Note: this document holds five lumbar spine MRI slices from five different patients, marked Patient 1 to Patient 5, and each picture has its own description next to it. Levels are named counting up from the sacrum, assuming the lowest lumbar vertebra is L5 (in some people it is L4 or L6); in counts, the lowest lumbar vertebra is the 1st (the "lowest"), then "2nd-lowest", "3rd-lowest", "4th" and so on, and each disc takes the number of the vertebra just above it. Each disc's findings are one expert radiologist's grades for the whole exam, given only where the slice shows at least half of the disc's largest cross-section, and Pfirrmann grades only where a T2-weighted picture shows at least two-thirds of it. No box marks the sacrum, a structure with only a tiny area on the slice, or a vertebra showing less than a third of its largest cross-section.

Patient 1 of 5:
Image 459x464; Patient sex: F; Sagittal T1-weighted lumbar spine MRI 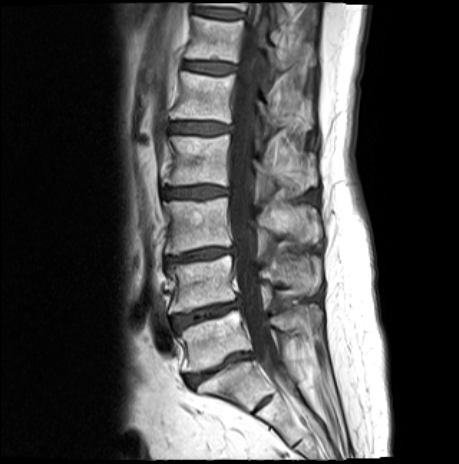 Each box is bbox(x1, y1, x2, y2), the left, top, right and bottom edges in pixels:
L5/S1: bbox(186, 352, 253, 386).
T12: bbox(185, 16, 286, 74).
Disc T11/T12: bbox(195, 8, 241, 18).
Thecal sac / spinal canal: bbox(229, 25, 281, 380).
Disc L2/L3: bbox(162, 186, 228, 198).
L4/L5: bbox(172, 299, 241, 331).
L2: bbox(162, 135, 316, 190).
Disc T12/L1: bbox(184, 62, 234, 73).
L3/L4: bbox(165, 248, 234, 265).
L3 vertebra: bbox(163, 197, 322, 254).
L1 vertebra: bbox(171, 71, 312, 134).
T11 vertebra: bbox(198, 2, 289, 23).
L5: bbox(178, 304, 322, 371).
L4: bbox(168, 255, 320, 312).
Disc L1/L2: bbox(171, 122, 228, 134).

Degenerative findings by level:
  L3/L4: disc bulging, Modic type II, disc narrowing, lower-endplate change, upper-endplate change
  L2/L3: Modic type II, disc bulging, lower-endplate change, upper-endplate change
  L5/S1: disc narrowing, disc bulging, Modic type II, lower-endplate change, upper-endplate change
  T11/T12: Modic type II
  T12/L1: lower-endplate change, upper-endplate change, Modic type II
  L1/L2: lower-endplate change, disc bulging, upper-endplate change, Modic type II
  L4/L5: lower-endplate change, upper-endplate change, disc bulging, disc narrowing, Modic type II

Patient 2 of 5:
538x539 px; Field of view 300x300 mm; T1-weighted sagittal MRI of the lumbar spine

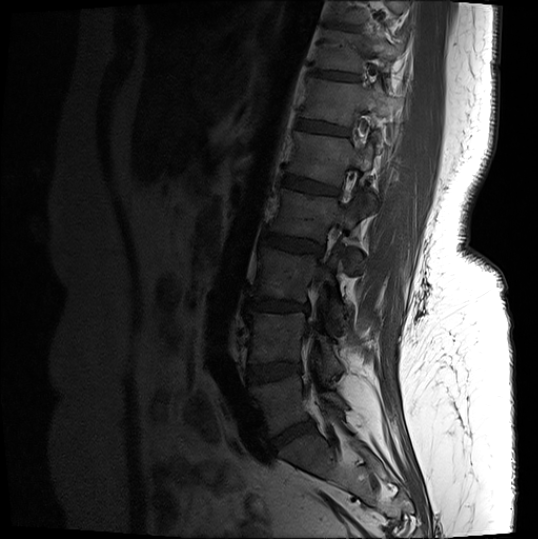
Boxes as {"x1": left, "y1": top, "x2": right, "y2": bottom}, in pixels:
Segmented structures:
• 8th vertebra at {"x1": 325, "y1": 1, "x2": 408, "y2": 24}
• 4th vertebra at {"x1": 269, "y1": 189, "x2": 363, "y2": 272}
• lowest vertebra at {"x1": 250, "y1": 374, "x2": 347, "y2": 435}
• 5th disc at {"x1": 283, "y1": 175, "x2": 339, "y2": 195}
• 2nd-lowest vertebra at {"x1": 246, "y1": 313, "x2": 344, "y2": 373}
• 6th disc at {"x1": 298, "y1": 120, "x2": 349, "y2": 136}
• 6th vertebra at {"x1": 302, "y1": 77, "x2": 388, "y2": 135}
• 5th vertebra at {"x1": 286, "y1": 132, "x2": 374, "y2": 211}
• 3rd-lowest vertebra at {"x1": 249, "y1": 246, "x2": 348, "y2": 327}
• 2nd-lowest disc at {"x1": 248, "y1": 362, "x2": 301, "y2": 382}
• 4th disc at {"x1": 262, "y1": 232, "x2": 323, "y2": 255}
• lowest disc at {"x1": 272, "y1": 421, "x2": 312, "y2": 448}
• 8th disc at {"x1": 323, "y1": 22, "x2": 361, "y2": 31}
• 7th disc at {"x1": 310, "y1": 69, "x2": 360, "y2": 81}
• spinal canal at {"x1": 307, "y1": 265, "x2": 327, "y2": 339}
• 7th vertebra at {"x1": 314, "y1": 30, "x2": 401, "y2": 73}
• 3rd-lowest disc at {"x1": 247, "y1": 299, "x2": 308, "y2": 311}

Degenerative findings by level:
- 3rd-lowest disc: disc bulging, lower-endplate change, disc narrowing, upper-endplate change, Modic type II
- 5th disc: upper-endplate change, Modic type II, lower-endplate change
- lowest disc: disc bulging, disc narrowing
- 8th disc: lower-endplate change, upper-endplate change
- 2nd-lowest disc: Modic type II, lower-endplate change, disc bulging
- 6th disc: lower-endplate change, upper-endplate change
- 4th disc: upper-endplate change, lower-endplate change, disc bulging
- 7th disc: upper-endplate change

Patient 3 of 5:
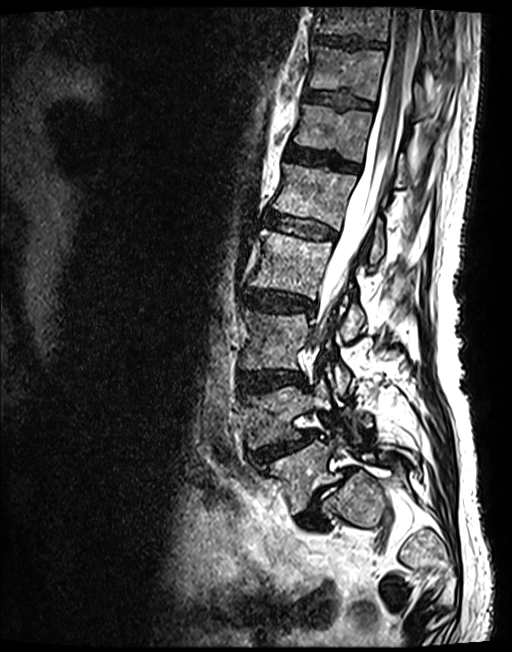 Patient sex: M; MRI lumbar spine (T2 SPACE (3D)), sagittal plane

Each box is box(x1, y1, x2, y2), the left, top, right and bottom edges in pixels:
Segmented structures:
* L3 vertebra — box(240, 310, 350, 393)
* intervertebral disc T11/T12 — box(305, 91, 372, 108)
* L4 — box(240, 379, 359, 448)
* L2/L3 — box(244, 289, 313, 312)
* intervertebral disc T12/L1 — box(287, 146, 357, 172)
* L5/S1 — box(297, 468, 352, 527)
* L5 vertebra — box(258, 434, 418, 514)
* L1 — box(272, 163, 385, 263)
* L3/L4 — box(238, 370, 303, 392)
* T10 — box(315, 7, 460, 74)
* T12 — box(294, 104, 418, 186)
* L2 — box(250, 230, 365, 339)
* intervertebral disc T10/T11 — box(314, 34, 384, 48)
* thecal sac / spinal canal — box(314, 7, 420, 348)
* L4/L5 — box(252, 430, 315, 461)
* L1/L2 — box(265, 213, 333, 239)
* T11 vertebra — box(308, 47, 432, 118)

Expert MSK radiologist gradings (per disc):
  T11/T12: Pfirrmann grade 3
  L3/L4: upper-endplate change, lower-endplate change, disc bulging
  L5/S1: Pfirrmann grade 5, disc narrowing, spondylolisthesis, disc herniation, Modic type II
  L2/L3: Pfirrmann grade 3, disc bulging
  T10/T11: Pfirrmann grade 3
  L1/L2: Pfirrmann grade 3
  T12/L1: Pfirrmann grade 3

Patient 4 of 5:
Sagittal T2-weighted lumbar spine MRI, Scanner: Philips Healthcare Ingenia (3T), Patient sex: F 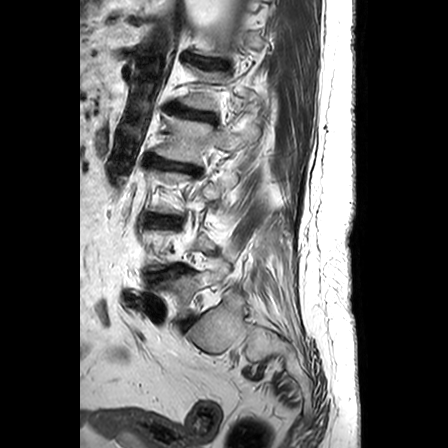

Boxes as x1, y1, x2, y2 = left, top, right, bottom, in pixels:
Segmented structures:
* 4th disc: 147, 156, 198, 175
* 2nd-lowest disc: 147, 265, 187, 280
* 5th disc: 169, 106, 214, 120
* 6th disc: 188, 55, 228, 69
* 3rd-lowest disc: 151, 216, 175, 223
* 4th vertebra: 155, 115, 259, 165
* lowest disc: 181, 318, 193, 328
* lowest vertebra: 155, 258, 228, 319

Radiological gradings:
• 5th disc: disc narrowing, Modic type II
• 6th disc: Pfirrmann grade 3, disc narrowing
• 2nd-lowest disc: disc narrowing, disc bulging
• 4th disc: Pfirrmann grade 5, disc narrowing, Modic type II, disc bulging, spondylolisthesis

Patient 5 of 5:
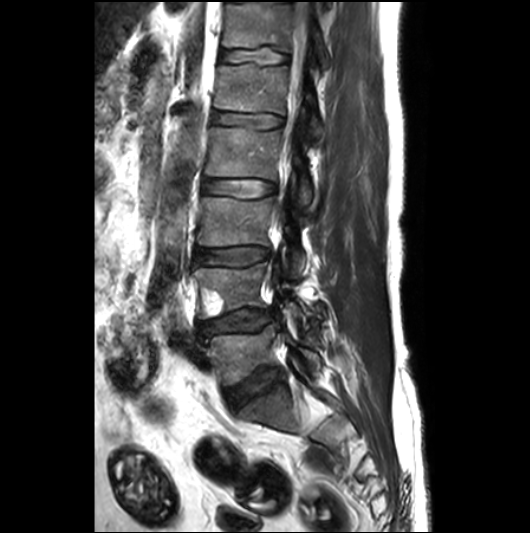 MRI lumbar spine (T2-weighted), sagittal plane.

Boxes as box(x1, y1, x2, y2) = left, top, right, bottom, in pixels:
IVD L5/S1 (lowest disc) at box(225, 367, 280, 410); L5 (lowest vertebra) at box(204, 311, 320, 385); T12 (6th vertebra) at box(222, 2, 328, 67); L1/L2 (5th disc) at box(213, 111, 283, 128); L2 (4th vertebra) at box(206, 127, 311, 204); IVD L2/L3 (4th disc) at box(203, 179, 276, 197); L4/L5 (2nd-lowest disc) at box(199, 308, 273, 334); L1 (5th vertebra) at box(214, 63, 320, 140); L3 (3rd-lowest vertebra) at box(197, 197, 305, 277); IVD L3/L4 (3rd-lowest disc) at box(195, 247, 268, 265); spinal canal at box(284, 2, 307, 158); L4 (2nd-lowest vertebra) at box(194, 256, 304, 319); T12/L1 (6th disc) at box(220, 46, 287, 67).

Radiological gradings:
• L5/S1 (lowest disc): Pfirrmann grade 3, disc bulging
• L4/L5 (2nd-lowest disc): Pfirrmann grade 3, Modic type II, disc bulging, disc herniation, disc narrowing
• L3/L4 (3rd-lowest disc): Pfirrmann grade 3, disc bulging, upper-endplate change
• T12/L1 (6th disc): Pfirrmann grade 2, lower-endplate change
• L1/L2 (5th disc): Pfirrmann grade 2
• L2/L3 (4th disc): Pfirrmann grade 2